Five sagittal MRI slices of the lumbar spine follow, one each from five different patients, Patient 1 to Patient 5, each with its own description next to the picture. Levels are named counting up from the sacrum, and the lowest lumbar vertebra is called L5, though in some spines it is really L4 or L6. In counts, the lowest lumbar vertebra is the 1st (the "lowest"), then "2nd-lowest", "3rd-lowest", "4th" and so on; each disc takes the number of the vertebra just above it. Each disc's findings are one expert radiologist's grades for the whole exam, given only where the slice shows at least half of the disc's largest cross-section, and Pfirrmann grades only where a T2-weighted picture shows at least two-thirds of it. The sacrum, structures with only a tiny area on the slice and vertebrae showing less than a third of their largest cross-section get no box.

Patient 1 of 5:
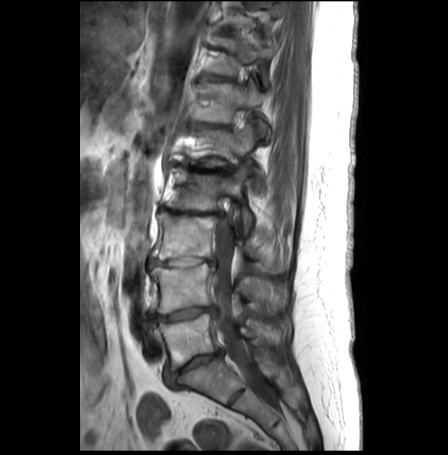
T1-weighted sagittal MRI of the lumbar spine

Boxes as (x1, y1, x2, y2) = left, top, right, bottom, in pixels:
Segmented structures:
- L2/L3: (158, 206, 223, 216)
- L3/L4: (148, 256, 215, 266)
- spinal canal: (210, 219, 269, 394)
- T12 vertebra: (193, 81, 268, 136)
- IVD L4/L5: (148, 305, 216, 325)
- L3 vertebra: (152, 211, 288, 271)
- IVD T12/L1: (191, 122, 229, 127)
- IVD T11/T12: (202, 73, 232, 80)
- L2: (164, 167, 253, 233)
- T11: (207, 36, 273, 81)
- IVD L5/S1: (165, 350, 222, 386)
- L5 vertebra: (154, 313, 287, 369)
- L1: (171, 126, 263, 189)
- T10/T11: (217, 28, 231, 32)
- L1/L2: (170, 161, 233, 173)
- L4 vertebra: (150, 263, 284, 312)

Radiological gradings:
- L3/L4: lower-endplate change, upper-endplate change, disc bulging, Modic type II, disc narrowing
- T11/T12: disc bulging
- L5/S1: lower-endplate change, disc narrowing, Modic type II, upper-endplate change, disc bulging
- L4/L5: upper-endplate change, disc narrowing, disc bulging, Modic type II, disc herniation, lower-endplate change
- L1/L2: Modic type II, upper-endplate change, disc narrowing, lower-endplate change, disc bulging
- T12/L1: disc narrowing, lower-endplate change, upper-endplate change, Modic type II, disc bulging

Patient 2 of 5:
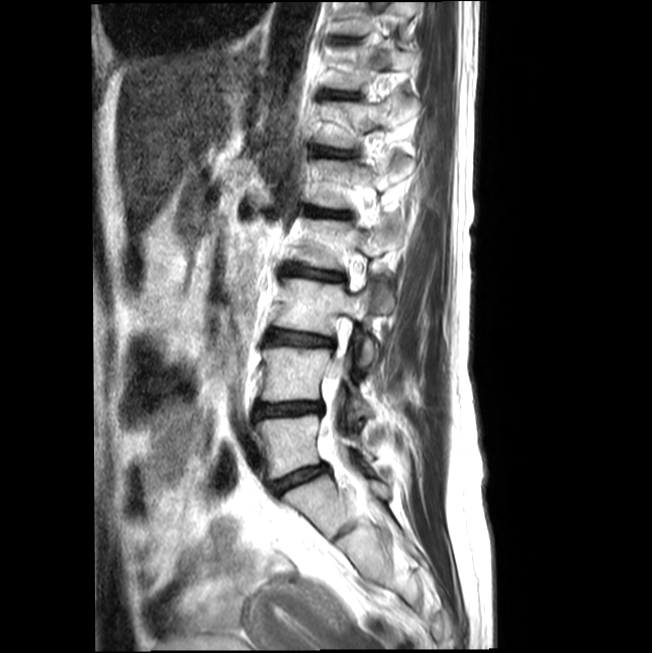 Patient sex: F. T2-weighted sagittal MRI of the lumbar spine.

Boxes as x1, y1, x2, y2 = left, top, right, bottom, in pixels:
Intervertebral disc L2/L3 (4th disc) = 284, 265, 343, 281.
Intervertebral disc L4/L5 (2nd-lowest disc) = 256, 403, 321, 417.
L2 (4th vertebra) = 297, 217, 403, 269.
Intervertebral disc T10/T11 (8th disc) = 336, 38, 358, 41.
L3/L4 (3rd-lowest disc) = 268, 330, 331, 346.
L3 (3rd-lowest vertebra) = 274, 279, 387, 366.
Thecal sac / spinal canal = 321, 369, 359, 489.
T12/L1 (6th disc) = 321, 148, 348, 156.
L5 (lowest vertebra) = 256, 413, 373, 479.
Intervertebral disc L5/S1 (lowest disc) = 271, 465, 328, 492.
T12 (6th vertebra) = 317, 94, 419, 147.
L1/L2 (5th disc) = 308, 209, 347, 216.
L4 (2nd-lowest vertebra) = 262, 346, 372, 416.
L1 (5th vertebra) = 309, 156, 408, 208.
T11 (7th vertebra) = 331, 45, 416, 91.
Intervertebral disc T11/T12 (7th disc) = 336, 94, 356, 97.
T10 (8th vertebra) = 336, 2, 419, 34.

Expert MSK radiologist gradings (per disc):
- L3/L4 (3rd-lowest disc): Pfirrmann grade 2, disc narrowing, upper-endplate change, lower-endplate change
- L5/S1 (lowest disc): Pfirrmann grade 2, disc bulging, disc narrowing
- L4/L5 (2nd-lowest disc): Pfirrmann grade 3, disc narrowing, disc herniation
- L2/L3 (4th disc): upper-endplate change, disc narrowing, lower-endplate change

Patient 3 of 5:
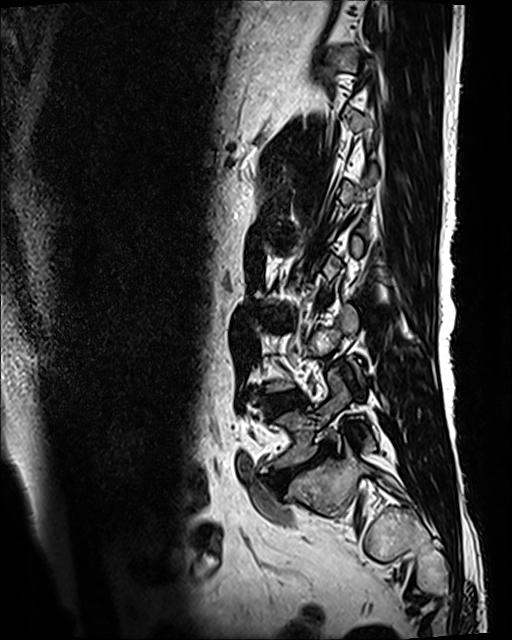
Image 512x640. Lumbar spine MR, T2 SPACE (3D), sagittal.

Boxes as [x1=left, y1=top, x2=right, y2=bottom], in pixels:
Disc L5/S1 (lowest disc) at [x1=280, y1=444, x2=333, y2=475], disc L3/L4 (3rd-lowest disc) at [x1=269, y1=311, x2=281, y2=321], L4/L5 (2nd-lowest disc) at [x1=265, y1=393, x2=301, y2=413], L5 (lowest vertebra) at [x1=275, y1=368, x2=375, y2=467].

Patient 4 of 5:
T2-weighted sagittal MRI of the lumbar spine. Patient sex: F.
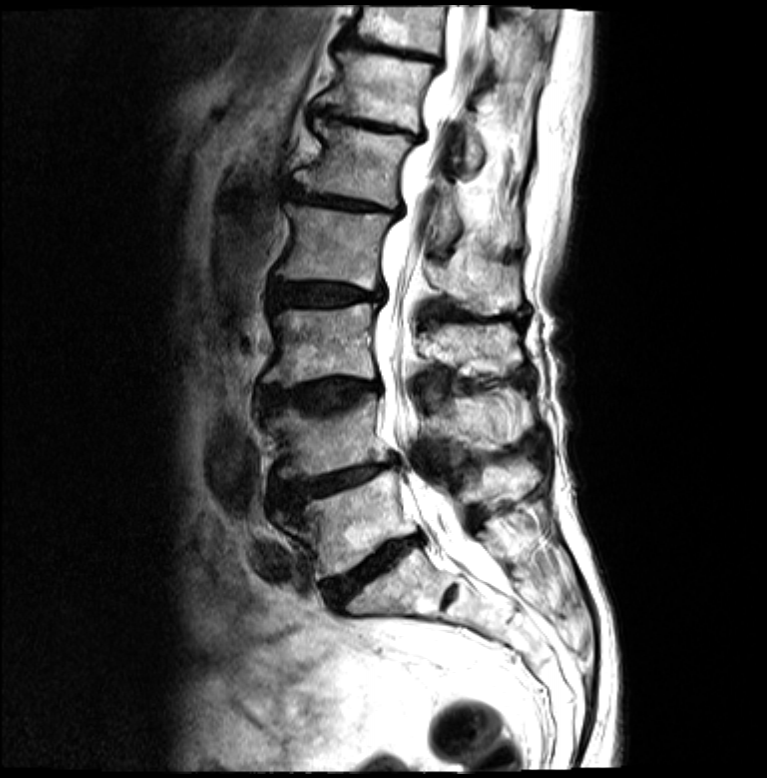
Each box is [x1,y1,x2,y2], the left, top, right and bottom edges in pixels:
L4 vertebra at [266,390,530,480].
Disc L5/S1 at [327,536,420,609].
L1 at [293,119,462,252].
L3 at [264,304,522,384].
L2/L3 at [274,283,382,308].
Thecal sac / spinal canal at [373,6,492,582].
T11/T12 at [345,44,440,64].
L2 vertebra at [276,204,518,314].
L4/L5 at [274,458,398,507].
Disc L3/L4 at [264,379,380,413].
Disc L1/L2 at [290,188,404,216].
L5 vertebra at [274,466,536,575].
T12 at [321,55,482,173].
T11 at [349,5,542,78].
Disc T12/L1 at [317,109,422,141].

Expert MSK radiologist gradings (per disc):
• L1/L2: Pfirrmann grade 5, upper-endplate change, disc bulging, disc narrowing, Modic type II, lower-endplate change
• L2/L3: Pfirrmann grade 4, disc bulging, Modic type II, upper-endplate change, disc narrowing, lower-endplate change
• L5/S1: Pfirrmann grade 5, disc bulging, disc narrowing, upper-endplate change, lower-endplate change, Modic type II
• T12/L1: upper-endplate change, disc bulging, disc narrowing, Modic type II, lower-endplate change
• L4/L5: Pfirrmann grade 4, disc bulging, upper-endplate change, Modic type II, disc narrowing, lower-endplate change
• L3/L4: Pfirrmann grade 4, lower-endplate change, disc bulging, upper-endplate change, Modic type II

Patient 5 of 5:
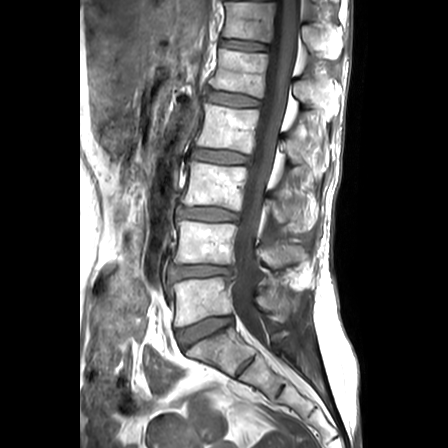 Sagittal T1-weighted lumbar spine MRI, Sagittal slice index 12, Patient sex: F
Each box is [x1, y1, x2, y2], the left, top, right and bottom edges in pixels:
IVD L1/L2 — [207, 90, 258, 107].
L4 — [174, 221, 307, 268].
L1 vertebra — [209, 49, 338, 119].
IVD L5/S1 — [176, 316, 232, 348].
T12 vertebra — [222, 3, 343, 60].
L3 — [182, 161, 316, 232].
IVD L4/L5 — [169, 265, 237, 282].
IVD L3/L4 — [178, 207, 237, 221].
Spinal canal — [231, 0, 299, 342].
T12/L1 — [220, 40, 266, 50].
L5 — [171, 277, 289, 326].
L2 — [195, 104, 325, 175].
L2/L3 — [190, 149, 249, 164].

Degenerative findings by level:
  L1/L2: Modic type II, upper-endplate change, lower-endplate change
  L2/L3: disc bulging, upper-endplate change, lower-endplate change, Modic type II
  L4/L5: lower-endplate change, upper-endplate change, disc narrowing, disc herniation
  L3/L4: upper-endplate change, lower-endplate change, disc bulging
  T12/L1: Modic type II
  L5/S1: no spondylolisthesis, narrowing, bulging, herniation, Modic or endplate change recorded